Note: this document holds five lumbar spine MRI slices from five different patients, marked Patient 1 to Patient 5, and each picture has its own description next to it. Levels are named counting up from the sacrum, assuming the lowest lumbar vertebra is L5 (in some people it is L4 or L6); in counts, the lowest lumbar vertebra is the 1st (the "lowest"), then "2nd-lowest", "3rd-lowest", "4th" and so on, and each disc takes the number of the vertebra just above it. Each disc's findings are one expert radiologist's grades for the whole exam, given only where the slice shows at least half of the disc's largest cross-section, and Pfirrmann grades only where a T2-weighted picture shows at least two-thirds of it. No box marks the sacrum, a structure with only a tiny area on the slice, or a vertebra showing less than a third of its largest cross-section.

Patient 1 of 5:
MRI lumbar spine (T2-weighted), sagittal plane, Image 514x516, Scanner: Philips Medical Systems Ingenia (1.5T)
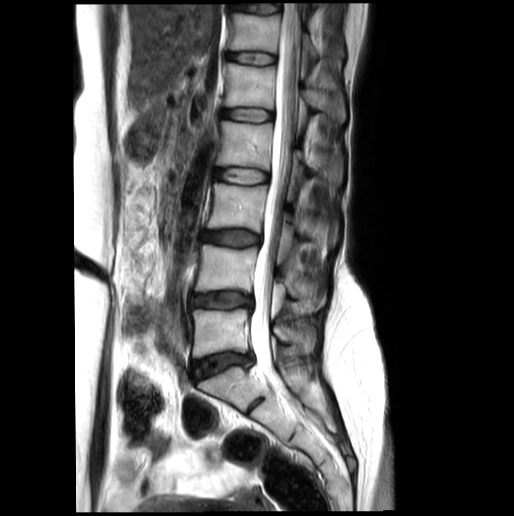
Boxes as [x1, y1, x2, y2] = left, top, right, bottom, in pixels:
Segmented structures:
- 4th vertebra = [216, 121, 341, 183]
- 5th disc = [222, 108, 272, 121]
- 2nd-lowest vertebra = [195, 244, 325, 311]
- 3rd-lowest disc = [201, 230, 261, 246]
- 6th disc = [226, 52, 275, 64]
- spinal canal = [250, 4, 299, 395]
- lowest vertebra = [192, 309, 315, 357]
- 5th vertebra = [224, 63, 346, 122]
- 4th disc = [215, 168, 268, 184]
- 2nd-lowest disc = [190, 292, 252, 308]
- 6th vertebra = [229, 13, 319, 69]
- lowest disc = [193, 353, 251, 379]
- 3rd-lowest vertebra = [207, 183, 337, 246]

Expert MSK radiologist gradings (per disc):
  6th disc: Pfirrmann grade 2
  4th disc: Pfirrmann grade 2
  3rd-lowest disc: Pfirrmann grade 3
  5th disc: Pfirrmann grade 2
  2nd-lowest disc: Pfirrmann grade 3, disc narrowing, disc bulging
  lowest disc: Pfirrmann grade 3, disc narrowing, disc bulging

Patient 2 of 5:
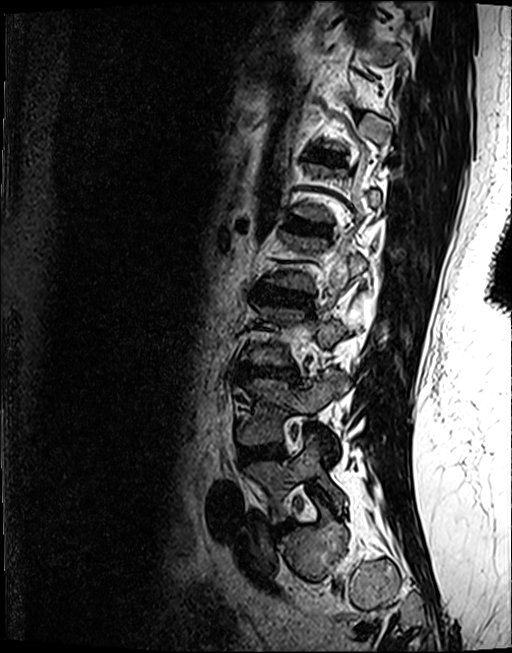 Image 512x653 | Slice 85/122 | MRI lumbar spine (T2 SPACE (3D)), sagittal plane

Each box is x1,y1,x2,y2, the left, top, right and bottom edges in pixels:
- 4th disc: 254,285,312,307
- 5th disc: 285,217,328,232
- lowest vertebra: 244,434,344,523
- 2nd-lowest disc: 239,443,284,463
- lowest disc: 269,519,292,536
- 3rd-lowest vertebra: 242,304,355,364
- 6th disc: 309,149,341,160
- 2nd-lowest vertebra: 238,376,349,455
- 3rd-lowest disc: 236,364,298,378
- 4th vertebra: 266,231,366,290

Expert MSK radiologist gradings (per disc):
• 4th disc: Pfirrmann grade 4, lower-endplate change, upper-endplate change, disc bulging
• 3rd-lowest disc: upper-endplate change, Modic type II, disc bulging, lower-endplate change, disc narrowing

Patient 3 of 5:
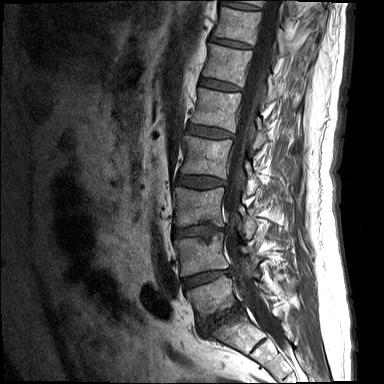
Slice spacing 4.4 mm, Lumbar spine MR, T1-weighted, sagittal
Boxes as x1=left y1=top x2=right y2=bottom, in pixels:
Structures:
• T10 vertebra: x1=239 y1=0 x2=292 y2=13
• spinal canal: x1=224 y1=0 x2=285 y2=348
• intervertebral disc L5/S1: x1=200 y1=303 x2=243 y2=330
• intervertebral disc T12/L1: x1=200 y1=77 x2=237 y2=90
• L2 vertebra: x1=181 y1=136 x2=259 y2=195
• L4/L5: x1=182 y1=269 x2=232 y2=288
• L5: x1=187 y1=275 x2=270 y2=321
• L3: x1=173 y1=187 x2=256 y2=239
• L1/L2: x1=187 y1=123 x2=232 y2=138
• T10/T11: x1=220 y1=2 x2=257 y2=9
• L1 vertebra: x1=192 y1=88 x2=267 y2=147
• intervertebral disc L3/L4: x1=173 y1=226 x2=224 y2=237
• L4 vertebra: x1=175 y1=233 x2=262 y2=275
• T12 vertebra: x1=203 y1=44 x2=277 y2=103
• intervertebral disc T11/T12: x1=210 y1=37 x2=250 y2=48
• T11 vertebra: x1=213 y1=7 x2=285 y2=54
• intervertebral disc L2/L3: x1=177 y1=175 x2=225 y2=188

Degenerative findings by level:
- L2/L3: disc bulging
- L5/S1: disc narrowing, lower-endplate change, disc bulging, upper-endplate change, Modic type II
- L3/L4: lower-endplate change, disc narrowing, upper-endplate change, disc bulging
- L1/L2: upper-endplate change, disc bulging
- L4/L5: disc narrowing, disc bulging, lower-endplate change, Modic type II, upper-endplate change
- T10/T11, T12/L1, T11/T12: no herniation, bulging, narrowing, spondylolisthesis, endplate or Modic change recorded

Patient 4 of 5:
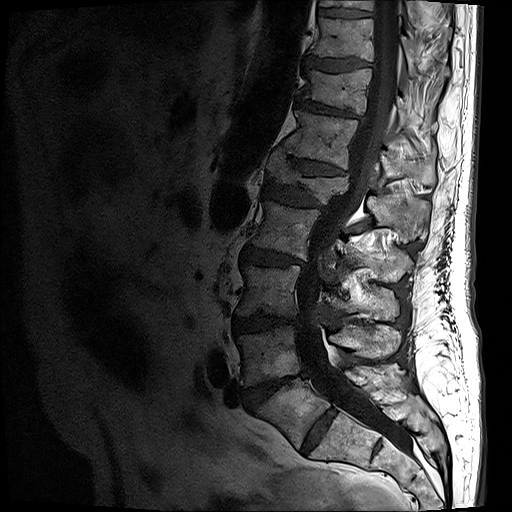 Sagittal T1-weighted lumbar spine MRI; Sagittal slice index 10
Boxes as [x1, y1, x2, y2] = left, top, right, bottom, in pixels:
{"3rd-lowest disc": "[233, 315, 297, 333]", "lowest vertebra": "[256, 363, 403, 447]", "2nd-lowest vertebra": "[237, 325, 402, 386]", "7th disc": "[296, 97, 359, 117]", "9th vertebra": "[321, 0, 418, 26]", "6th vertebra": "[284, 109, 435, 184]", "4th vertebra": "[251, 199, 413, 281]", "5th disc": "[263, 182, 323, 208]", "spinal canal": "[296, 0, 412, 452]", "6th disc": "[277, 145, 347, 175]", "4th disc": "[240, 247, 305, 266]", "lowest disc": "[301, 409, 336, 453]", "3rd-lowest vertebra": "[236, 266, 399, 320]", "7th vertebra": "[301, 67, 436, 129]", "5th vertebra": "[266, 152, 429, 240]", "9th disc": "[318, 8, 371, 18]", "8th disc": "[305, 56, 370, 71]", "2nd-lowest disc": "[242, 370, 309, 409]", "8th vertebra": "[310, 18, 415, 74]"}

Expert MSK radiologist gradings (per disc):
  6th disc: disc narrowing, disc bulging, lower-endplate change, upper-endplate change
  8th disc: disc bulging, lower-endplate change, upper-endplate change
  7th disc: disc narrowing, upper-endplate change, lower-endplate change, disc bulging
  9th disc: lower-endplate change
  4th disc: Modic type II, upper-endplate change, disc narrowing, disc bulging, lower-endplate change
  2nd-lowest disc: upper-endplate change, disc herniation, disc narrowing, disc bulging, lower-endplate change, Modic type II
  5th disc: upper-endplate change, lower-endplate change, disc bulging, disc narrowing
  3rd-lowest disc: disc narrowing, lower-endplate change, upper-endplate change, disc bulging
  lowest disc: no spondylolisthesis, narrowing, bulging, herniation, Modic or endplate change recorded

Patient 5 of 5:
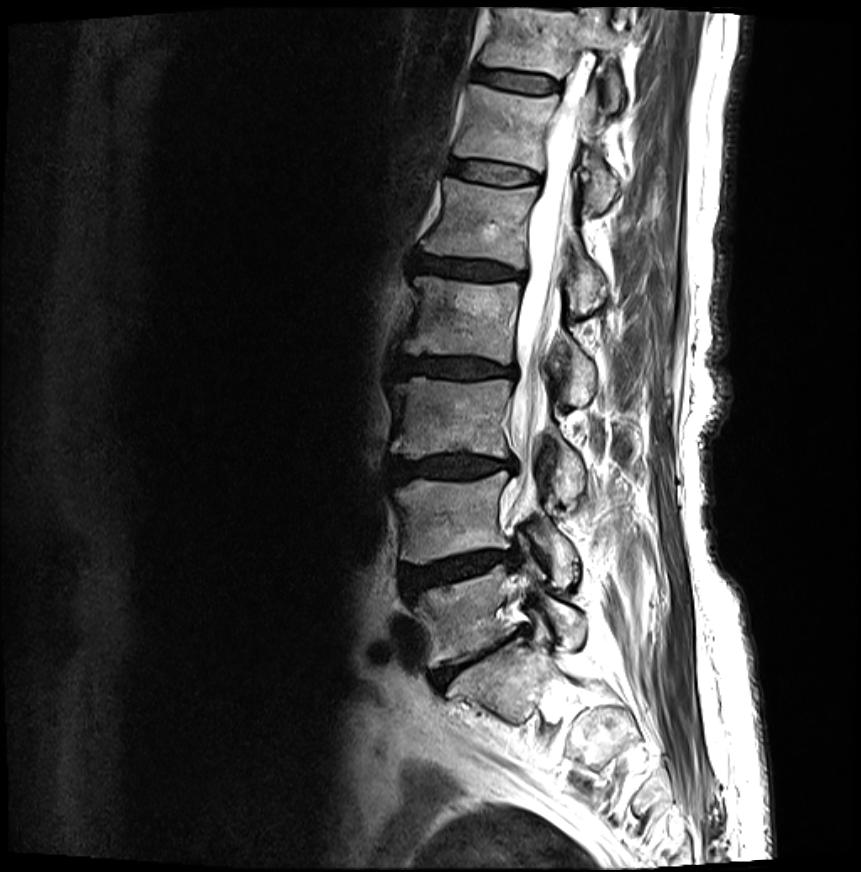
Image 861x872; T2-weighted sagittal MRI of the lumbar spine

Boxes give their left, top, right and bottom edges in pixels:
T11 vertebra at left=481, top=7, right=623, bottom=112; L3 at left=392, top=378, right=586, bottom=503; L1 at left=424, top=178, right=606, bottom=313; L2 vertebra at left=404, top=276, right=596, bottom=405; IVD L4/L5 at left=402, top=550, right=517, bottom=594; spinal canal at left=501, top=70, right=587, bottom=513; T12 vertebra at left=456, top=85, right=618, bottom=213; IVD T11/T12 at left=474, top=69, right=557, bottom=93; IVD L3/L4 at left=390, top=454, right=515, bottom=480; T12/L1 at left=452, top=163, right=537, bottom=186; L5/S1 at left=430, top=631, right=522, bottom=687; L1/L2 at left=415, top=257, right=522, bottom=281; L5 at left=414, top=560, right=584, bottom=668; L4 at left=393, top=471, right=577, bottom=587; IVD L2/L3 at left=393, top=357, right=513, bottom=377.

Degenerative findings by level:
  L4/L5: Pfirrmann grade 4, disc bulging, disc herniation, Modic type II, disc narrowing, lower-endplate change, upper-endplate change
  T11/T12: Pfirrmann grade 2, Modic type II, lower-endplate change, upper-endplate change
  T12/L1: Pfirrmann grade 2, upper-endplate change, lower-endplate change, Modic type II
  L1/L2: Pfirrmann grade 4, upper-endplate change, lower-endplate change, disc narrowing, Modic type II, disc bulging
  L2/L3: Pfirrmann grade 4, lower-endplate change, upper-endplate change, disc narrowing, disc bulging, Modic type II
  L3/L4: Pfirrmann grade 4, upper-endplate change, disc bulging, disc narrowing, Modic type II, lower-endplate change